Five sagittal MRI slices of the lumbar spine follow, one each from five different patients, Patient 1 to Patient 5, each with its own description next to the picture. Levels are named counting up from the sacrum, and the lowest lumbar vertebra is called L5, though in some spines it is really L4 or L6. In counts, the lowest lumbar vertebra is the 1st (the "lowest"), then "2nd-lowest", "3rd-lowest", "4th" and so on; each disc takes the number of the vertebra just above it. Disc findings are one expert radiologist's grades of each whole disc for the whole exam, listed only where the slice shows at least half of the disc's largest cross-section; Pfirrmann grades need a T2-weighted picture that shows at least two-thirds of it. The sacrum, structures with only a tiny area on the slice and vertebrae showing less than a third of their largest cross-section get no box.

Patient 1 of 5:
MRI lumbar spine (T2-weighted), sagittal plane; Sagittal slice index 6; Field of view 308x309 mm, slice spacing 4.4 mm; 516x517 px; Sex F

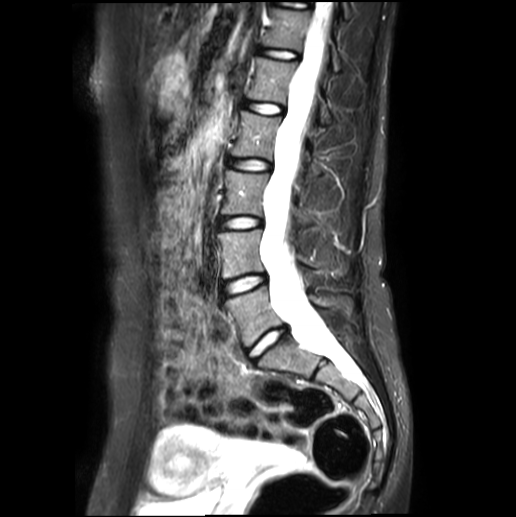

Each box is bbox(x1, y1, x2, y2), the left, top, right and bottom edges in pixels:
3rd-lowest vertebra at bbox(220, 170, 308, 226); lowest vertebra at bbox(225, 286, 328, 345); 4th disc at bbox(227, 158, 270, 170); 5th vertebra at bbox(247, 56, 329, 122); 3rd-lowest disc at bbox(216, 217, 262, 230); 2nd-lowest vertebra at bbox(217, 229, 306, 278); 5th disc at bbox(243, 101, 283, 114); 4th vertebra at bbox(232, 111, 318, 175); 2nd-lowest disc at bbox(220, 275, 266, 297); 6th disc at bbox(256, 48, 297, 59); lowest disc at bbox(248, 328, 285, 358); spinal canal at bbox(264, 15, 345, 364); 6th vertebra at bbox(263, 8, 341, 70).

Degenerative findings by level:
• lowest disc: Pfirrmann grade 1
• 2nd-lowest disc: Pfirrmann grade 1
• 6th disc: Pfirrmann grade 1
• 3rd-lowest disc: Pfirrmann grade 1
• 5th disc: Pfirrmann grade 1
• 4th disc: Pfirrmann grade 1

Patient 2 of 5:
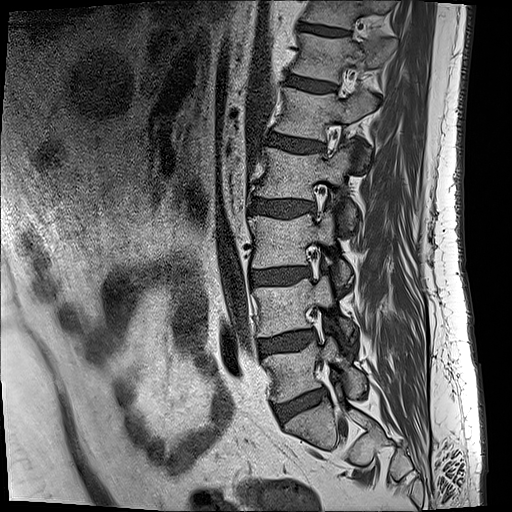
Lumbar spine MR, T1-weighted, sagittal, Field of view 300x300 mm, slice spacing 3.3 mm
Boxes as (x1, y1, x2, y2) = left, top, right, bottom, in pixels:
{"L1/L2 (5th disc)": "(269, 132, 322, 152)", "L5/S1 (lowest disc)": "(274, 390, 326, 422)", "L2/L3 (4th disc)": "(253, 198, 313, 218)", "L4 (2nd-lowest vertebra)": "(254, 275, 353, 337)", "L5 (lowest vertebra)": "(265, 335, 365, 401)", "L1 (5th vertebra)": "(274, 87, 376, 164)", "T11 (7th vertebra)": "(302, 0, 391, 27)", "T12 (6th vertebra)": "(291, 33, 394, 83)", "IVD L3/L4 (3rd-lowest disc)": "(250, 267, 309, 285)", "IVD T12/L1 (6th disc)": "(286, 75, 334, 90)", "L2 (4th vertebra)": "(255, 143, 357, 229)", "T11/T12 (7th disc)": "(298, 23, 346, 35)", "L3 (3rd-lowest vertebra)": "(250, 209, 351, 284)", "IVD L4/L5 (2nd-lowest disc)": "(258, 330, 312, 357)"}

Expert MSK radiologist gradings (per disc):
• L4/L5 (2nd-lowest disc): disc bulging, Modic type II
• L2/L3 (4th disc): disc bulging
• L5/S1 (lowest disc): Modic type II, disc bulging, disc narrowing
• L1/L2 (5th disc): disc bulging
• L3/L4 (3rd-lowest disc): disc bulging, Modic type II
• T12/L1 (6th disc), T11/T12 (7th disc): no Modic or endplate change, herniation, narrowing, bulging or spondylolisthesis recorded

Patient 3 of 5:
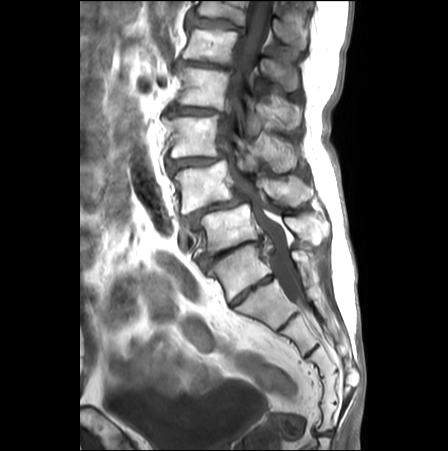
Image 448x451. Sagittal T1-weighted lumbar spine MRI.
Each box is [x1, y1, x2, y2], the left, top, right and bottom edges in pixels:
Structures:
* L2/L3 (4th disc): [168, 104, 225, 118]
* L4/L5 (2nd-lowest disc): [184, 189, 249, 228]
* L3/L4 (3rd-lowest disc): [166, 153, 225, 172]
* T12/L1 (6th disc): [186, 13, 244, 34]
* L1 (5th vertebra): [183, 28, 299, 90]
* L5/S1 (lowest disc): [198, 236, 262, 267]
* T12 (6th vertebra): [192, 1, 308, 50]
* L3 (3rd-lowest vertebra): [163, 114, 299, 172]
* IVD L1/L2 (5th disc): [174, 61, 234, 72]
* L4 (2nd-lowest vertebra): [171, 160, 312, 213]
* thecal sac / spinal canal: [219, 0, 303, 304]
* L2 (4th vertebra): [176, 66, 301, 138]
* L5 (lowest vertebra): [199, 203, 313, 254]

Per-level radiological findings:
• L2/L3 (4th disc): disc bulging, lower-endplate change, upper-endplate change, Modic type II, disc narrowing, spondylolisthesis
• L4/L5 (2nd-lowest disc): disc bulging, disc narrowing, Modic type II, disc herniation, spondylolisthesis, upper-endplate change, lower-endplate change
• L3/L4 (3rd-lowest disc): disc narrowing, disc bulging, upper-endplate change, lower-endplate change, spondylolisthesis, Modic type II
• L1/L2 (5th disc): lower-endplate change, disc narrowing, disc bulging
• L5/S1 (lowest disc): lower-endplate change, disc herniation, Modic type II, upper-endplate change, disc narrowing, disc bulging
• T12/L1 (6th disc): upper-endplate change, disc bulging, lower-endplate change

Patient 4 of 5:
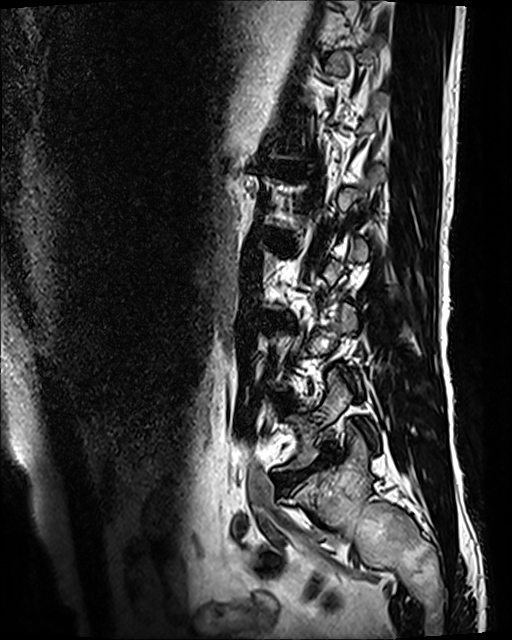 T2 SPACE (3D) sagittal MRI of the lumbar spine; Field of view 240x300 mm
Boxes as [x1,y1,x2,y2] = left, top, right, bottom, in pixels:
lowest disc: [280,450,334,485]
5th disc: [273,165,303,174]
3rd-lowest disc: [273,316,289,325]
4th disc: [272,234,291,247]
lowest vertebra: [279,369,375,469]

Patient 5 of 5:
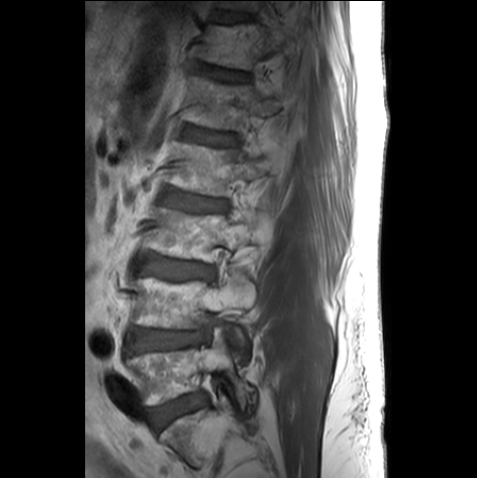
Sex M. T1-weighted sagittal MRI of the lumbar spine.
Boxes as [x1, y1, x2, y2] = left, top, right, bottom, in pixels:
Annotations:
* L1 at [184, 76, 294, 129]
* T12 at [202, 24, 295, 70]
* T11/T12 at [220, 13, 250, 22]
* T12/L1 at [202, 65, 249, 81]
* L3 at [148, 207, 262, 262]
* L2 at [167, 142, 273, 195]
* L2/L3 at [162, 189, 228, 212]
* L5 vertebra at [127, 325, 253, 407]
* disc L3/L4 at [138, 254, 214, 279]
* disc L5/S1 at [151, 394, 204, 427]
* L4 at [131, 269, 255, 350]
* L4/L5 at [129, 330, 203, 352]
* L1/L2 at [185, 128, 236, 145]

Expert MSK radiologist gradings (per disc):
• L4/L5: lower-endplate change
• L2/L3: upper-endplate change
• L1/L2, L3/L4: no herniation, bulging, narrowing, spondylolisthesis, endplate or Modic change recorded